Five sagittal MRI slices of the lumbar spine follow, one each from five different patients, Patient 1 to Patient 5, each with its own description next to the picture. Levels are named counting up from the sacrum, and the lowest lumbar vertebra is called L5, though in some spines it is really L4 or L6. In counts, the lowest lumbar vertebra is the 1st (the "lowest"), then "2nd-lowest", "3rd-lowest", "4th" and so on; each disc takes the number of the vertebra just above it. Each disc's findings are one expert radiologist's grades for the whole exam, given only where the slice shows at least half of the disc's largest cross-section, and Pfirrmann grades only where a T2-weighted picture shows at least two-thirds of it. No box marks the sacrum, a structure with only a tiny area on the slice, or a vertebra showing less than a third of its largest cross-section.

Patient 1 of 5:
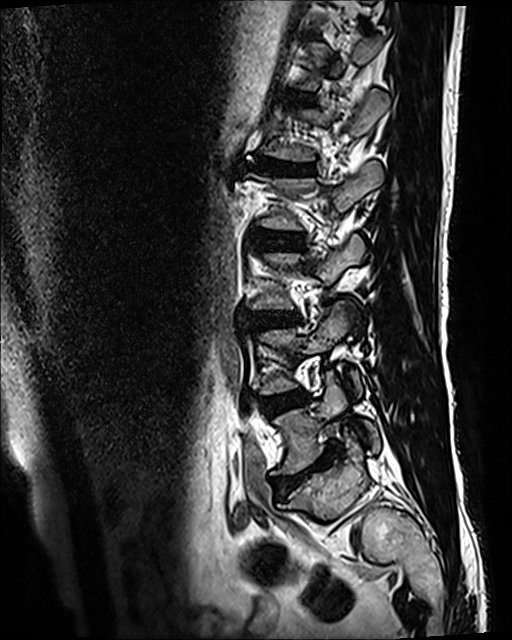
Lumbar spine MR, T2 SPACE (3D), sagittal. Slice spacing 0.9 mm.
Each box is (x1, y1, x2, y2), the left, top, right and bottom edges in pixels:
L2/L3: (256, 229, 302, 247).
L5: (271, 373, 379, 474).
Disc L4/L5: (263, 393, 302, 414).
L5/S1: (273, 444, 342, 491).
L2: (250, 161, 383, 229).
L4: (260, 301, 362, 396).
L1/L2: (251, 160, 314, 174).
T12/L1: (288, 92, 310, 102).
L3/L4: (250, 308, 298, 328).

Radiological gradings:
• L1/L2: Pfirrmann grade 5, disc bulging, Modic type II, disc narrowing, lower-endplate change, upper-endplate change
• L5/S1: disc bulging, Modic type II, disc narrowing, lower-endplate change, upper-endplate change
• L2/L3: no Modic or endplate change, herniation, narrowing, bulging or spondylolisthesis recorded

Patient 2 of 5:
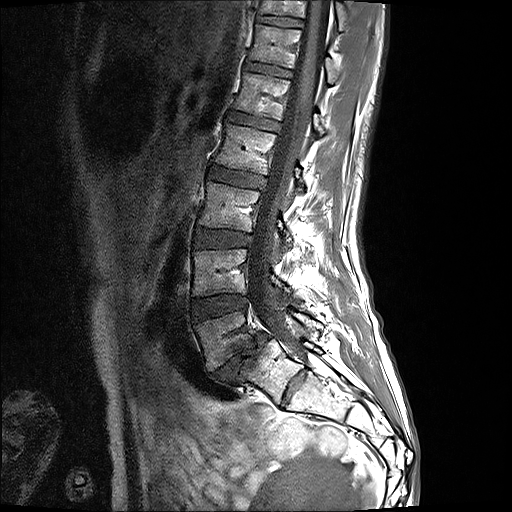 Sagittal T1-weighted lumbar spine MRI | Slice 8/17
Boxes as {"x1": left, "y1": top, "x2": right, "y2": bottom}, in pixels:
{"L2 vertebra": {"x1": 216, "y1": 124, "x2": 304, "y2": 192}, "L5": {"x1": 195, "y1": 311, "x2": 322, "y2": 370}, "IVD L3/L4": {"x1": 194, "y1": 229, "x2": 251, "y2": 247}, "L3 vertebra": {"x1": 199, "y1": 181, "x2": 291, "y2": 247}, "IVD L1/L2": {"x1": 228, "y1": 112, "x2": 279, "y2": 130}, "IVD L2/L3": {"x1": 209, "y1": 166, "x2": 265, "y2": 187}, "T12": {"x1": 249, "y1": 23, "x2": 337, "y2": 83}, "L1": {"x1": 234, "y1": 72, "x2": 324, "y2": 135}, "L4": {"x1": 192, "y1": 249, "x2": 289, "y2": 296}, "T11": {"x1": 259, "y1": 0, "x2": 346, "y2": 29}, "IVD L5/S1": {"x1": 209, "y1": 332, "x2": 269, "y2": 383}, "thecal sac / spinal canal": {"x1": 248, "y1": 0, "x2": 331, "y2": 358}, "IVD L4/L5": {"x1": 192, "y1": 295, "x2": 248, "y2": 319}, "IVD T11/T12": {"x1": 257, "y1": 15, "x2": 303, "y2": 27}, "IVD T12/L1": {"x1": 245, "y1": 62, "x2": 292, "y2": 77}}

Radiological gradings:
  L5/S1: spondylolisthesis, disc bulging, disc narrowing, Modic type II
  T11/T12, L3/L4, L2/L3, T12/L1, L1/L2, L4/L5: no Modic or endplate change, herniation, narrowing, bulging or spondylolisthesis recorded

Patient 3 of 5:
T2-weighted sagittal MRI of the lumbar spine. SIEMENS Avanto_fit (1.5T). Slice 6 of 30.

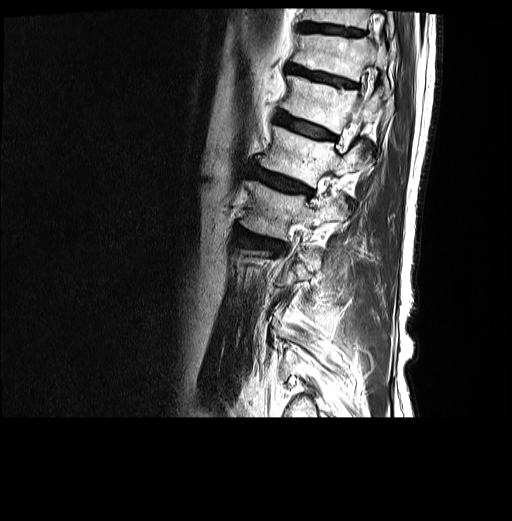

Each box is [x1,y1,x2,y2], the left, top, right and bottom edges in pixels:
7th disc at [287,64,356,87], 8th vertebra at [302,9,393,37], 8th disc at [300,23,363,34], 4th disc at [235,229,283,250], 7th vertebra at [292,34,389,93], 6th vertebra at [282,75,381,132], 4th vertebra at [241,180,347,239], 6th disc at [276,111,335,140], 5th vertebra at [258,126,370,186], 5th disc at [248,166,311,195].

Per-level radiological findings:
• 5th disc: Pfirrmann grade 4, disc bulging, Modic type II, lower-endplate change, upper-endplate change
• 6th disc: Pfirrmann grade 4, upper-endplate change, Modic type II, disc bulging, lower-endplate change
• 7th disc: Pfirrmann grade 4, lower-endplate change, disc bulging, upper-endplate change
• 8th disc: Pfirrmann grade 3
• 4th disc: Pfirrmann grade 4, upper-endplate change, lower-endplate change, disc narrowing, Modic type I, disc bulging

Patient 4 of 5:
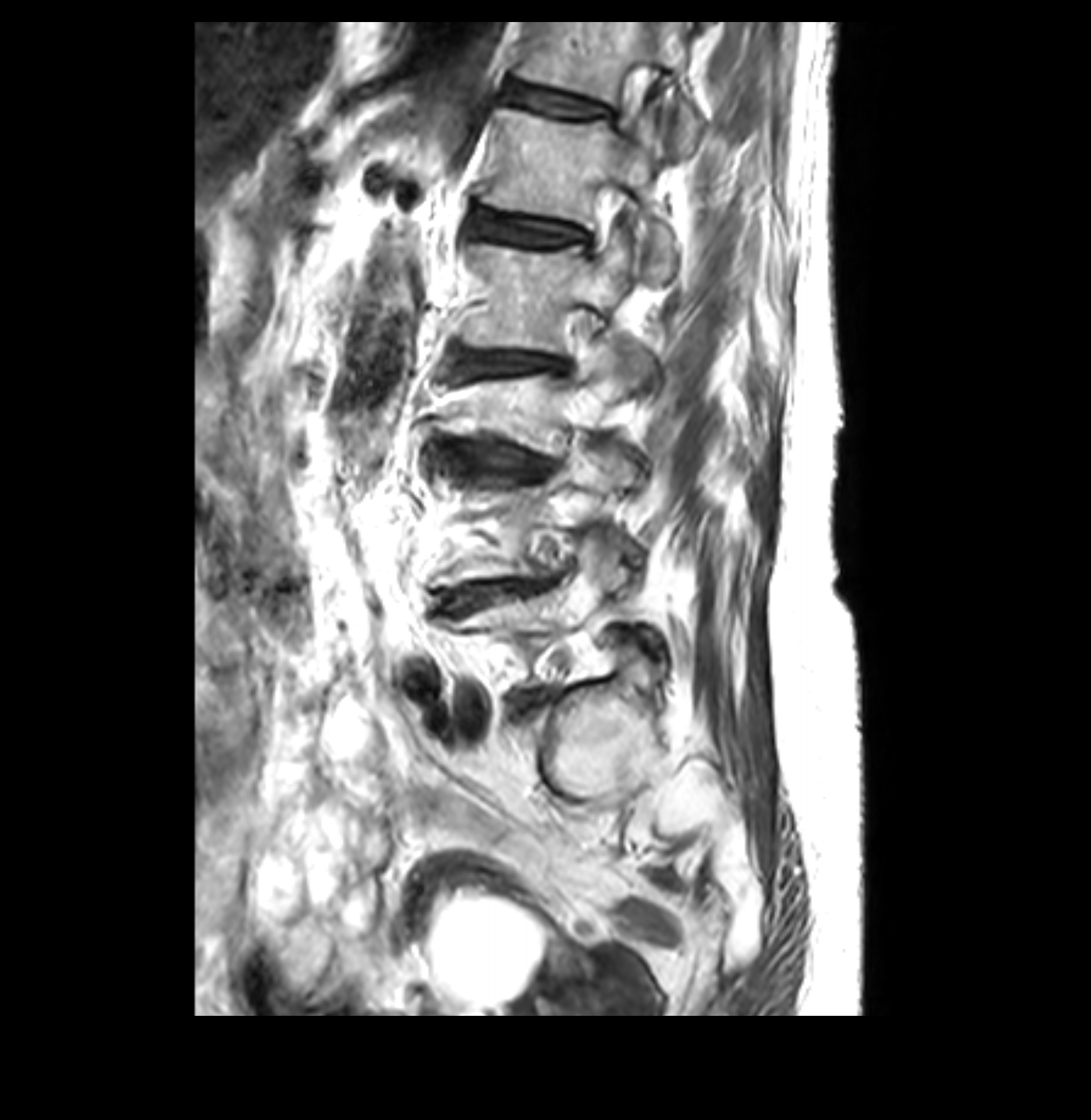

Sex F, Sagittal slice index 24, Image 1091x1120, T2-weighted sagittal MRI of the lumbar spine

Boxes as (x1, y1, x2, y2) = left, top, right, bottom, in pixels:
{"4th disc": "(458, 351, 562, 373)", "5th disc": "(473, 210, 584, 244)", "lowest disc": "(519, 692, 542, 708)", "6th vertebra": "(516, 20, 703, 148)", "lowest vertebra": "(448, 536, 664, 685)", "3rd-lowest disc": "(448, 441, 545, 480)", "4th vertebra": "(463, 238, 632, 352)", "2nd-lowest vertebra": "(436, 449, 640, 584)", "6th disc": "(501, 78, 608, 116)", "3rd-lowest vertebra": "(439, 353, 647, 451)", "2nd-lowest disc": "(441, 578, 545, 610)", "5th vertebra": "(480, 109, 676, 281)"}

Degenerative findings by level:
• 5th disc: Pfirrmann grade 3, upper-endplate change, lower-endplate change
• 6th disc: Pfirrmann grade 3, disc bulging, upper-endplate change
• 3rd-lowest disc: disc bulging, upper-endplate change, Modic type II, disc narrowing

Patient 5 of 5:
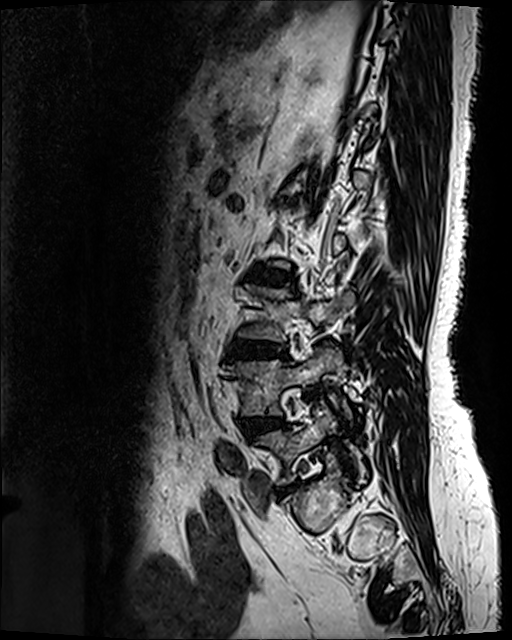
Sagittal slice index 33. T2 SPACE (3D) sagittal MRI of the lumbar spine.

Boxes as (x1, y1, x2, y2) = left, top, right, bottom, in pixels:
Annotations:
- L4 vertebra — (228, 343, 344, 415)
- L3/L4 — (230, 341, 286, 358)
- L5 — (260, 404, 366, 484)
- IVD L4/L5 — (245, 418, 280, 435)
- IVD L2/L3 — (253, 269, 294, 285)

Degenerative findings by level:
- L3/L4: Pfirrmann grade 4, lower-endplate change, disc narrowing, disc bulging, upper-endplate change, Modic type II